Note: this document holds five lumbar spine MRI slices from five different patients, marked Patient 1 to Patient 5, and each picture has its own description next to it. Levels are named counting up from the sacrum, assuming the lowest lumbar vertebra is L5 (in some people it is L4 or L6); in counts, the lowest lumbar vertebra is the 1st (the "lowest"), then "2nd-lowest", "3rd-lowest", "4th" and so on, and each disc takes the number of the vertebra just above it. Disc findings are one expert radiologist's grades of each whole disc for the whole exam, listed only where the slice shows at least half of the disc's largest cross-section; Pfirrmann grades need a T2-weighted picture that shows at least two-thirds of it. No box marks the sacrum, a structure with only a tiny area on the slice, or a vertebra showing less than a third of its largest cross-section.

Patient 1 of 5:
Sagittal T1-weighted lumbar spine MRI | Image 559x556
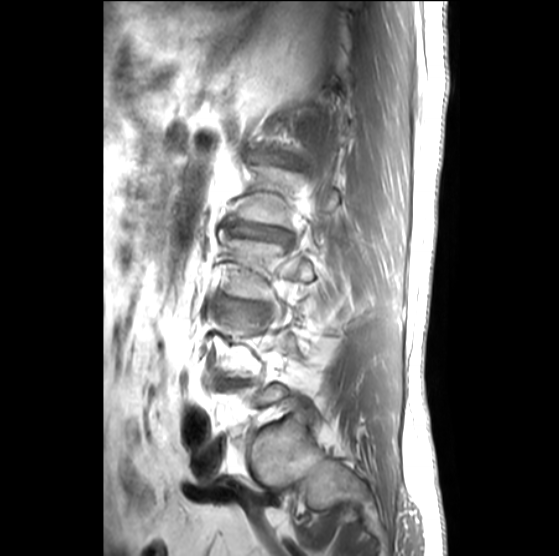 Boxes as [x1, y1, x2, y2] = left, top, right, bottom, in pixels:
L2 = [241, 164, 340, 227].
L3/L4 = [228, 300, 247, 313].
IVD L2/L3 = [238, 227, 291, 241].
L3 vertebra = [220, 230, 314, 298].

Expert MSK radiologist gradings (per disc):
• L2/L3: lower-endplate change, disc narrowing, upper-endplate change, disc bulging, Modic type II

Patient 2 of 5:
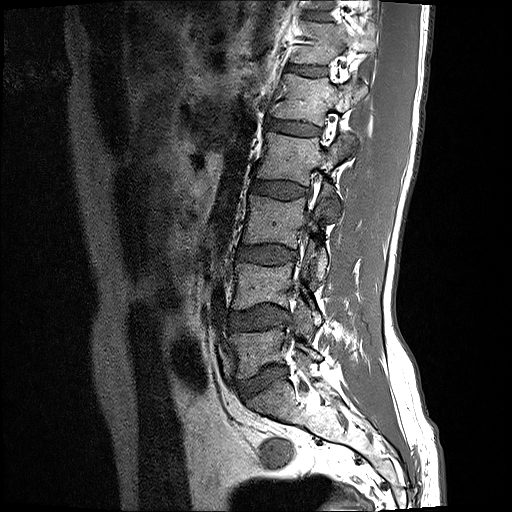

Lumbar spine MR, T1-weighted, sagittal, Slice spacing 3.3 mm, Sex M
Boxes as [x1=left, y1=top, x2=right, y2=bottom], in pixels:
Annotations:
• L5/S1 at [x1=236, y1=365, x2=287, y2=399]
• disc L4/L5 at [x1=229, y1=305, x2=289, y2=330]
• L2 vertebra at [x1=256, y1=132, x2=354, y2=218]
• L2/L3 at [x1=252, y1=180, x2=309, y2=198]
• L3 vertebra at [x1=243, y1=189, x2=328, y2=280]
• T12/L1 at [x1=287, y1=64, x2=327, y2=76]
• L1 at [x1=272, y1=74, x2=366, y2=143]
• disc T11/T12 at [x1=305, y1=12, x2=330, y2=21]
• L4 vertebra at [x1=232, y1=262, x2=322, y2=331]
• disc L1/L2 at [x1=267, y1=120, x2=319, y2=135]
• T12 vertebra at [x1=291, y1=21, x2=369, y2=64]
• L5 vertebra at [x1=229, y1=316, x2=321, y2=378]
• disc L3/L4 at [x1=238, y1=245, x2=296, y2=264]

Degenerative findings by level:
  L4/L5: disc bulging
  L5/S1: disc bulging
  L3/L4: disc bulging
  T12/L1, L1/L2, L2/L3: no Modic or endplate change, herniation, narrowing, bulging or spondylolisthesis recorded

Patient 3 of 5:
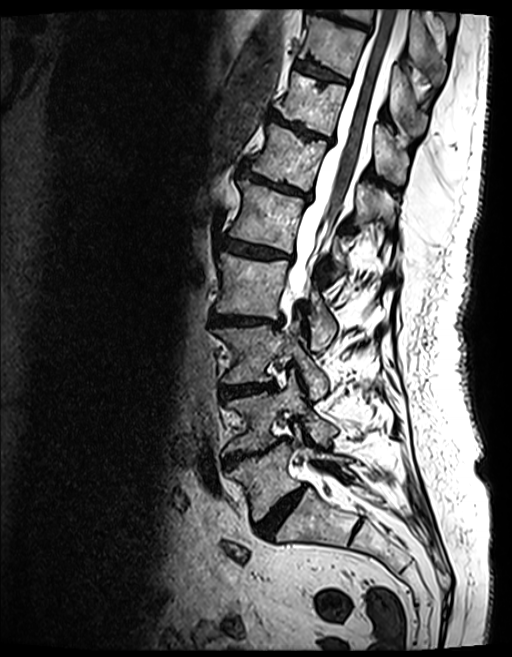 Sagittal T2 SPACE (3D) lumbar spine MRI | 512x657 px | Patient sex: F

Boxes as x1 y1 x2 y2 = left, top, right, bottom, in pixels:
- L5 (lowest vertebra): 228 427 346 521
- spinal canal: 285 9 405 484
- intervertebral disc L3/L4 (3rd-lowest disc): 220 383 273 396
- L1/L2 (5th disc): 224 240 287 259
- T11/T12 (7th disc): 269 112 332 142
- intervertebral disc T9/T10 (9th disc): 311 3 368 29
- L4/L5 (2nd-lowest disc): 225 437 288 466
- T12 (6th vertebra): 247 125 392 223
- intervertebral disc L5/S1 (lowest disc): 257 485 307 537
- L2 (4th vertebra): 217 252 336 350
- T11 (7th vertebra): 279 72 407 184
- intervertebral disc T10/T11 (8th disc): 296 61 347 83
- L2/L3 (4th disc): 211 315 281 327
- L1 (5th vertebra): 229 180 344 272
- T10 (8th vertebra): 300 15 427 133
- L4 (2nd-lowest vertebra): 226 376 336 451
- T12/L1 (6th disc): 239 167 310 200
- L3 (3rd-lowest vertebra): 214 323 327 398
- T9 (9th vertebra): 330 8 446 81

Expert MSK radiologist gradings (per disc):
- T12/L1 (6th disc): Pfirrmann grade 4, Modic type II, lower-endplate change, disc bulging, disc narrowing, upper-endplate change
- L3/L4 (3rd-lowest disc): Modic type II, upper-endplate change, disc narrowing, lower-endplate change, disc bulging
- L2/L3 (4th disc): Pfirrmann grade 4, upper-endplate change, disc bulging, lower-endplate change, disc narrowing, Modic type II
- L4/L5 (2nd-lowest disc): disc narrowing, disc bulging, Modic type II, lower-endplate change, upper-endplate change
- T11/T12 (7th disc): Pfirrmann grade 5, upper-endplate change, disc bulging, lower-endplate change, disc narrowing, Modic type II
- L1/L2 (5th disc): Pfirrmann grade 4, Modic type II, disc bulging, lower-endplate change, upper-endplate change, disc narrowing
- T10/T11 (8th disc): Pfirrmann grade 4, upper-endplate change, Modic type II, lower-endplate change
- T9/T10 (9th disc): Pfirrmann grade 4, Modic type II, disc bulging, upper-endplate change, lower-endplate change
- L5/S1 (lowest disc): Pfirrmann grade 4, disc narrowing, disc bulging

Patient 4 of 5:
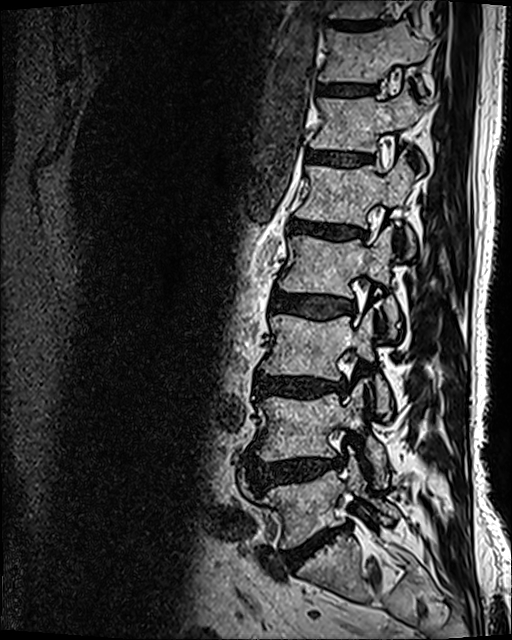

MRI lumbar spine (T2 SPACE (3D)), sagittal plane | Slice 46/120 | 512x640 px
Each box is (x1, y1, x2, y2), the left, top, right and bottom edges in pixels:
L5 at (260, 459, 398, 547), intervertebral disc L1/L2 at (289, 220, 365, 238), L2 vertebra at (279, 227, 398, 336), L4 at (252, 383, 387, 482), intervertebral disc T11/T12 at (318, 84, 375, 95), L4/L5 at (248, 456, 342, 488), T11 at (319, 20, 428, 94), T12 at (310, 84, 425, 170), T10 vertebra at (331, 0, 421, 23), L3 vertebra at (260, 309, 390, 419), intervertebral disc T12/L1 at (307, 151, 371, 165), L3/L4 at (255, 376, 347, 398), intervertebral disc L2/L3 at (270, 289, 355, 318), intervertebral disc L5/S1 at (285, 525, 349, 567), intervertebral disc T10/T11 at (327, 20, 382, 28), L1 at (296, 154, 414, 256).

Expert MSK radiologist gradings (per disc):
• T11/T12: Pfirrmann grade 3
• L3/L4: Pfirrmann grade 4, disc bulging, lower-endplate change, disc narrowing, Modic type II
• T12/L1: Pfirrmann grade 3
• L4/L5: Pfirrmann grade 4, disc herniation, disc bulging
• L1/L2: Pfirrmann grade 4, Modic type II, upper-endplate change, disc bulging, disc narrowing, lower-endplate change
• L2/L3: Pfirrmann grade 3, disc bulging

Patient 5 of 5:
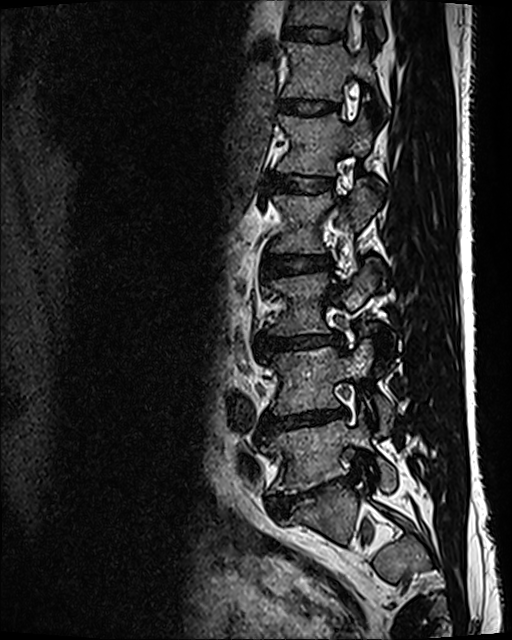

Slice 40 of 120, Image 512x640, T2 SPACE (3D) sagittal MRI of the lumbar spine
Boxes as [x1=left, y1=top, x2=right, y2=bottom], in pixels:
disc T12/L1: [x1=279, y1=99, x2=336, y2=115] | L2: [x1=271, y1=180, x2=382, y2=253] | L1 vertebra: [x1=277, y1=108, x2=372, y2=175] | T12 vertebra: [x1=283, y1=41, x2=374, y2=101] | T11: [x1=284, y1=0, x2=386, y2=41] | disc T11/T12: [x1=282, y1=27, x2=344, y2=42] | L4 vertebra: [x1=269, y1=340, x2=392, y2=432] | disc L3/L4: [x1=260, y1=335, x2=334, y2=351] | L3 vertebra: [x1=271, y1=259, x2=382, y2=334] | disc L5/S1: [x1=270, y1=478, x2=339, y2=515] | disc L4/L5: [x1=264, y1=407, x2=346, y2=431] | L2/L3: [x1=263, y1=255, x2=327, y2=277] | L1/L2: [x1=269, y1=174, x2=332, y2=192] | L5 vertebra: [x1=265, y1=412, x2=396, y2=494]

Per-level radiological findings:
  L3/L4: disc bulging, disc narrowing
  L2/L3: Pfirrmann grade 2
  L4/L5: Pfirrmann grade 5, disc bulging, disc narrowing, Modic type II, lower-endplate change
  T11/T12: Pfirrmann grade 2
  L1/L2: Pfirrmann grade 2
  T12/L1: Pfirrmann grade 2